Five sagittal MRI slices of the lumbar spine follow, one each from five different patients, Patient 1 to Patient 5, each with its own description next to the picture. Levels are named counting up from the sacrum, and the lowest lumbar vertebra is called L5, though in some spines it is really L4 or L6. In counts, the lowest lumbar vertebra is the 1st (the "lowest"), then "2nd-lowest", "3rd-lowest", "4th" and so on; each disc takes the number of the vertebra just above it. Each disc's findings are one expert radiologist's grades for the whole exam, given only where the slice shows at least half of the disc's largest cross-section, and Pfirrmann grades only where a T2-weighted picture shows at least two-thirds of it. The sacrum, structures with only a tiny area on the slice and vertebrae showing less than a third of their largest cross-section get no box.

Patient 1 of 5:
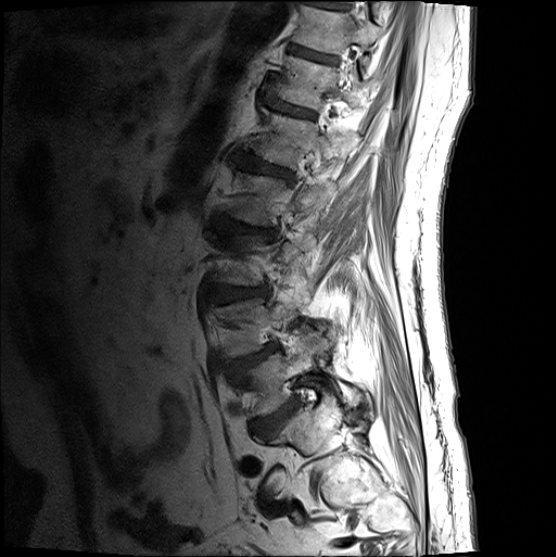 Lumbar spine MR, T1-weighted, sagittal; Slice spacing 3.3 mm; Sagittal slice index 16
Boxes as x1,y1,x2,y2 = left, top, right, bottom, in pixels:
5th vertebra: 246,110,358,171 | 6th disc: 263,100,316,120 | 4th vertebra: 219,174,337,229 | 4th disc: 212,216,277,241 | 7th disc: 287,45,339,66 | 5th disc: 232,153,294,184 | lowest disc: 252,401,300,439 | 2nd-lowest vertebra: 215,289,308,360 | 6th vertebra: 276,57,373,114 | 2nd-lowest disc: 226,345,280,379 | 7th vertebra: 291,7,379,57 | lowest vertebra: 237,335,358,418 | 3rd-lowest disc: 207,288,269,305 | 3rd-lowest vertebra: 211,232,316,288

Per-level radiological findings:
• 4th disc: lower-endplate change, disc bulging, disc narrowing, upper-endplate change
• 3rd-lowest disc: disc bulging
• 5th disc: upper-endplate change, lower-endplate change, disc bulging
• 7th disc: lower-endplate change
• lowest disc, 6th disc: no herniation, bulging, narrowing, spondylolisthesis, endplate or Modic change recorded

Patient 2 of 5:
Patient sex: M; 512x517 px; Slice 5 of 24; Sagittal T2-weighted lumbar spine MRI

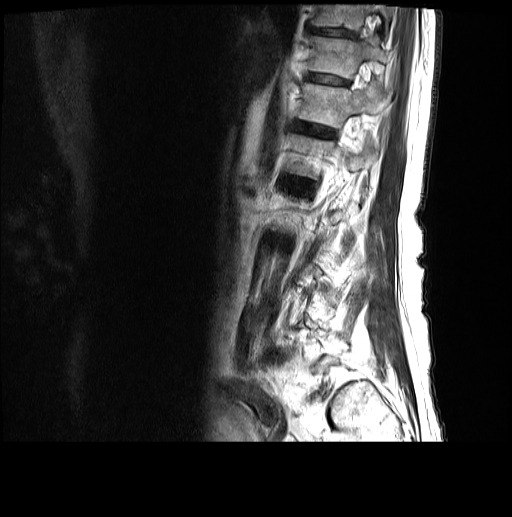

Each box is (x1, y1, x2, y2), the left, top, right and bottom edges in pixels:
{"8th vertebra": "(314, 4, 394, 29)", "7th vertebra": "(310, 37, 391, 77)", "7th disc": "(307, 74, 344, 84)", "6th disc": "(295, 123, 333, 137)", "6th vertebra": "(299, 83, 389, 127)", "8th disc": "(310, 28, 352, 37)"}

Radiological gradings:
• 6th disc: Pfirrmann grade 3
• 8th disc: Pfirrmann grade 3
• 7th disc: no herniation, bulging, narrowing, spondylolisthesis, endplate or Modic change recorded

Patient 3 of 5:
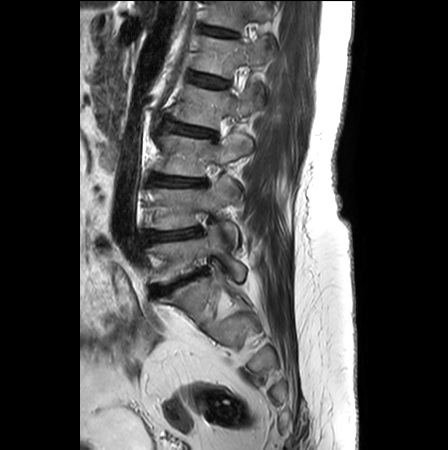

Sex F. Lumbar spine MR, T2-weighted, sagittal.
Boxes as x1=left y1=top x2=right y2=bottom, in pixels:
L3/L4 (3rd-lowest disc) at x1=152 y1=174 x2=205 y2=186, L2/L3 (4th disc) at x1=163 y1=119 x2=216 y2=139, disc L5/S1 (lowest disc) at x1=151 y1=267 x2=208 y2=296, L3 (3rd-lowest vertebra) at x1=156 y1=134 x2=252 y2=176, T12 (6th vertebra) at x1=207 y1=1 x2=277 y2=48, L5 (lowest vertebra) at x1=146 y1=224 x2=246 y2=283, L1 (5th vertebra) at x1=196 y1=35 x2=271 y2=77, L2 (4th vertebra) at x1=173 y1=85 x2=260 y2=127, T12/L1 (6th disc) at x1=202 y1=27 x2=238 y2=36, L4/L5 (2nd-lowest disc) at x1=145 y1=227 x2=200 y2=241, L4 (2nd-lowest vertebra) at x1=146 y1=177 x2=238 y2=247, L1/L2 (5th disc) at x1=191 y1=74 x2=228 y2=87.

Radiological gradings:
  T12/L1 (6th disc): lower-endplate change
  L5/S1 (lowest disc): Pfirrmann grade 5, disc narrowing, disc bulging, Modic type II, lower-endplate change, upper-endplate change
  L3/L4 (3rd-lowest disc): Pfirrmann grade 3, Modic type II, lower-endplate change, disc bulging, disc narrowing, upper-endplate change
  L2/L3 (4th disc): Pfirrmann grade 2, lower-endplate change, Modic type II, disc narrowing, disc bulging, upper-endplate change
  L4/L5 (2nd-lowest disc): Pfirrmann grade 3, upper-endplate change, Modic type II, lower-endplate change, disc bulging, disc narrowing
  L1/L2 (5th disc): no spondylolisthesis, narrowing, bulging, herniation, Modic or endplate change recorded

Patient 4 of 5:
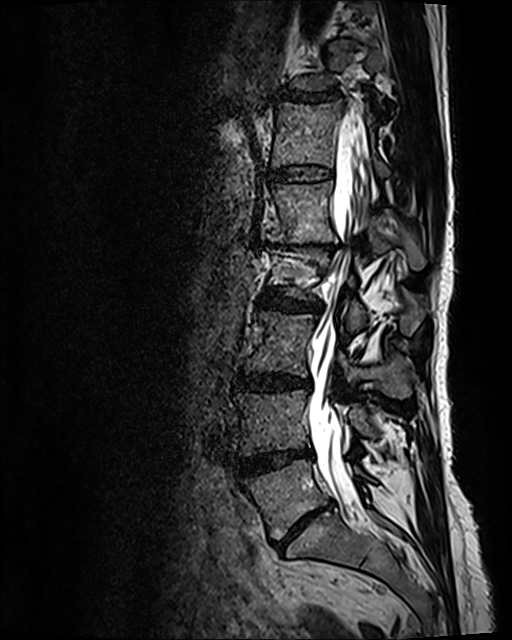 512x640 px. Patient sex: F. Lumbar spine MR, T2 SPACE (3D), sagittal.
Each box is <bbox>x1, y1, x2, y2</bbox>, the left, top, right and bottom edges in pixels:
Annotations:
- IVD T11/T12 (7th disc) — <bbox>276, 88, 344, 103</bbox>
- L5 (lowest vertebra) — <bbox>241, 459, 368, 539</bbox>
- T12 (6th vertebra) — <bbox>272, 102, 388, 176</bbox>
- L3/L4 (3rd-lowest disc) — <bbox>234, 372, 309, 391</bbox>
- L3 (3rd-lowest vertebra) — <bbox>245, 311, 414, 398</bbox>
- IVD L4/L5 (2nd-lowest disc) — <bbox>237, 450, 311, 475</bbox>
- IVD T12/L1 (6th disc) — <bbox>269, 165, 333, 182</bbox>
- IVD L1/L2 (5th disc) — <bbox>268, 240, 337, 252</bbox>
- IVD L2/L3 (4th disc) — <bbox>260, 289, 321, 311</bbox>
- L2 (4th vertebra) — <bbox>271, 250, 423, 335</bbox>
- L5/S1 (lowest disc) — <bbox>275, 503, 330, 548</bbox>
- L4 (2nd-lowest vertebra) — <bbox>233, 389, 376, 456</bbox>
- L1 (5th vertebra) — <bbox>261, 181, 426, 270</bbox>
- spinal canal — <bbox>308, 119, 369, 500</bbox>

Radiological gradings:
  L5/S1 (lowest disc): upper-endplate change, Modic type II, lower-endplate change, disc bulging, disc narrowing
  T11/T12 (7th disc): Pfirrmann grade 3, disc narrowing, disc bulging
  T12/L1 (6th disc): Pfirrmann grade 2
  L4/L5 (2nd-lowest disc): Pfirrmann grade 4, disc bulging, Modic type II, disc narrowing
  L2/L3 (4th disc): disc narrowing, disc bulging
  L3/L4 (3rd-lowest disc): Pfirrmann grade 3, disc bulging
  L1/L2 (5th disc): Pfirrmann grade 5, disc bulging, Modic type II, lower-endplate change, upper-endplate change, disc narrowing

Patient 5 of 5:
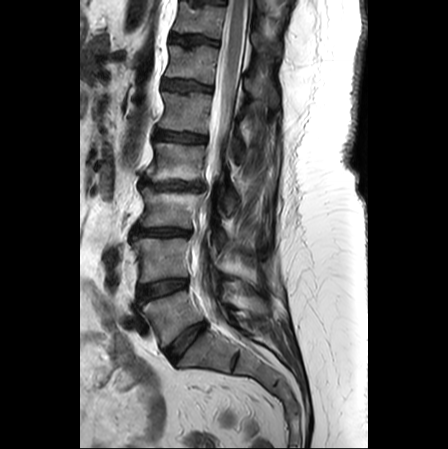
Slice 14/25; Sagittal T2-weighted lumbar spine MRI; Sex F

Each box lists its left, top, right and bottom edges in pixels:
Structures:
• disc L2/L3 — left=140, top=178, right=203, bottom=190
• disc L5/S1 — left=166, top=322, right=206, bottom=362
• L1 — left=158, top=92, right=243, bottom=160
• T12 vertebra — left=166, top=45, right=280, bottom=108
• T11 vertebra — left=174, top=2, right=280, bottom=57
• T12/L1 — left=162, top=79, right=211, bottom=91
• L3/L4 — left=132, top=227, right=191, bottom=240
• thecal sac / spinal canal — left=192, top=0, right=246, bottom=321
• L5 vertebra — left=142, top=290, right=237, bottom=346
• L3 — left=140, top=186, right=226, bottom=249
• L4 — left=132, top=238, right=235, bottom=282
• L2 — left=147, top=142, right=239, bottom=215
• disc L1/L2 — left=154, top=129, right=206, bottom=141
• disc L4/L5 — left=138, top=279, right=187, bottom=301
• T11/T12 — left=171, top=34, right=217, bottom=44

Radiological gradings:
  L3/L4: Pfirrmann grade 4, upper-endplate change, disc narrowing, lower-endplate change, disc bulging
  L5/S1: Pfirrmann grade 2, disc bulging
  L1/L2: Pfirrmann grade 2, disc bulging
  L4/L5: Pfirrmann grade 2, Modic type II, upper-endplate change, lower-endplate change, disc bulging
  T12/L1: Pfirrmann grade 2, upper-endplate change
  T11/T12: Pfirrmann grade 3, upper-endplate change
  L2/L3: Pfirrmann grade 5, upper-endplate change, Modic type II, disc narrowing, lower-endplate change, disc herniation